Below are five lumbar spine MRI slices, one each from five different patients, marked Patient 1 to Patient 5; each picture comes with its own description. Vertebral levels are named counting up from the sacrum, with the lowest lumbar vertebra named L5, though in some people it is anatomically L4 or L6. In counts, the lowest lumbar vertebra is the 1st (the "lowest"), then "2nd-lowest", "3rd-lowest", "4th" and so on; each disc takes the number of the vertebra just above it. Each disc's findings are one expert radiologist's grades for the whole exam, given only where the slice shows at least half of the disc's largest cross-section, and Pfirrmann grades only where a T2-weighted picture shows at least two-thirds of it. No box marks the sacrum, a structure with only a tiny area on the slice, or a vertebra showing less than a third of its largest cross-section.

Patient 1 of 5:
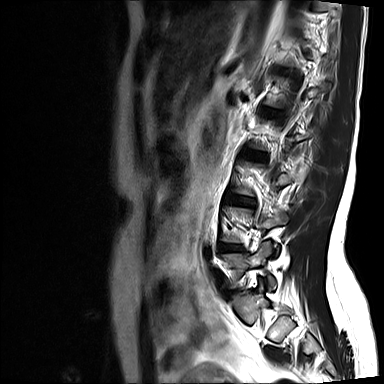 Sagittal T2-weighted lumbar spine MRI. Image 384x384.
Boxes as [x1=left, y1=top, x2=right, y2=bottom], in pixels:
Annotations:
* disc L3/L4: [x1=229, y1=196, x2=251, y2=202]
* L5: [x1=222, y1=241, x2=276, y2=286]
* L4/L5: [x1=218, y1=243, x2=241, y2=249]

Patient 2 of 5:
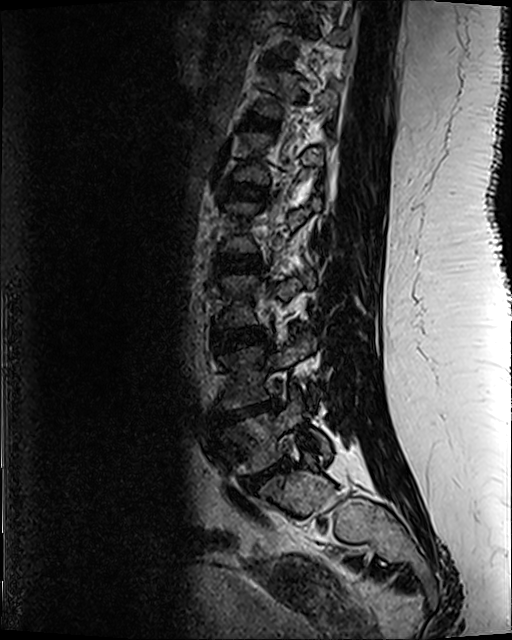

T2 SPACE (3D) sagittal MRI of the lumbar spine
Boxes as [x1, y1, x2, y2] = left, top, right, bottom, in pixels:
Annotations:
- intervertebral disc L5/S1 (lowest disc): [245, 462, 292, 487]
- L5 (lowest vertebra): [221, 390, 330, 472]
- L2/L3 (4th disc): [216, 256, 258, 273]
- intervertebral disc L1/L2 (5th disc): [221, 184, 265, 199]
- intervertebral disc L4/L5 (2nd-lowest disc): [219, 404, 278, 421]
- L4 (2nd-lowest vertebra): [222, 333, 316, 407]
- L3 (3rd-lowest vertebra): [221, 276, 314, 325]
- intervertebral disc L3/L4 (3rd-lowest disc): [213, 328, 265, 350]

Per-level radiological findings:
  L5/S1 (lowest disc): upper-endplate change, disc herniation, lower-endplate change, disc narrowing, Modic type II
  L1/L2 (5th disc): Pfirrmann grade 3, lower-endplate change
  L3/L4 (3rd-lowest disc): Pfirrmann grade 3
  L2/L3 (4th disc): Pfirrmann grade 3, lower-endplate change, upper-endplate change

Patient 3 of 5:
Slice spacing 3.3 mm | Slice 23 of 28 | T2-weighted sagittal MRI of the lumbar spine

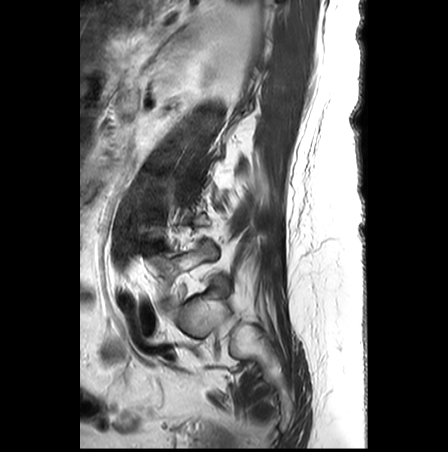
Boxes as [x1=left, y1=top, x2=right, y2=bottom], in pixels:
IVD L4/L5 at [x1=150, y1=242, x2=164, y2=249] | L5 vertebra at [x1=148, y1=241, x2=215, y2=298]

Patient 4 of 5:
Sex F, MRI lumbar spine (T1-weighted), sagittal plane 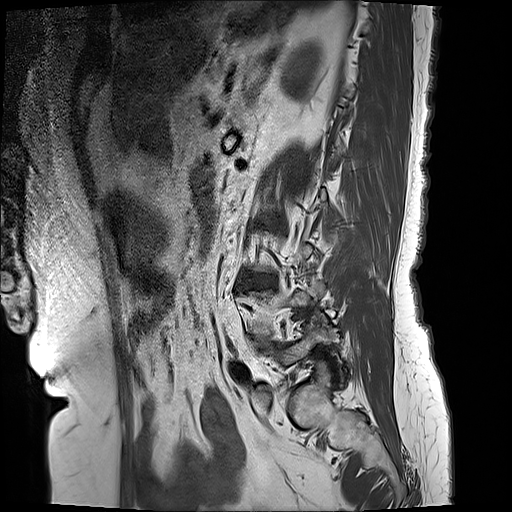
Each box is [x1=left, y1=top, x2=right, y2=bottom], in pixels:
Structures:
- IVD L3/L4 — [x1=240, y1=274, x2=276, y2=286]
- IVD L2/L3 — [x1=263, y1=219, x2=277, y2=226]
- L4/L5 — [x1=255, y1=338, x2=267, y2=344]

Expert MSK radiologist gradings (per disc):
• L3/L4: lower-endplate change, disc narrowing, disc bulging, upper-endplate change, Modic type II

Patient 5 of 5:
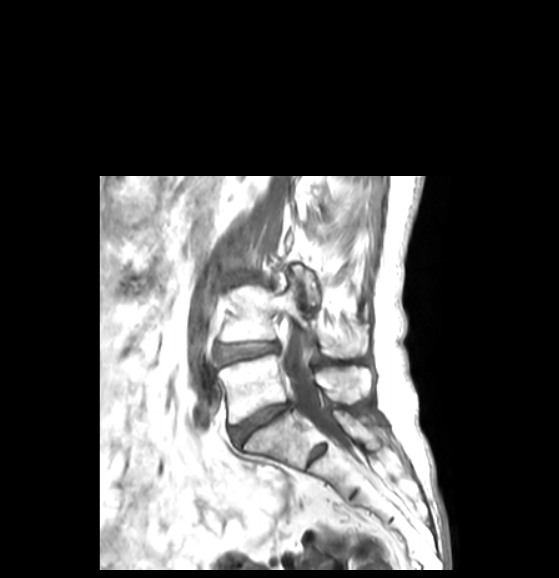
T1-weighted sagittal MRI of the lumbar spine. Sex F. Slice 19/50.
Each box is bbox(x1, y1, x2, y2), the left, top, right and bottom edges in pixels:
Structures:
- lowest disc = bbox(232, 403, 289, 440)
- 2nd-lowest disc = bbox(217, 342, 277, 364)
- spinal canal = bbox(282, 328, 335, 434)
- 2nd-lowest vertebra = bbox(221, 270, 366, 358)
- lowest vertebra = bbox(218, 355, 371, 424)

Per-level radiological findings:
• lowest disc: disc bulging, disc narrowing
• 2nd-lowest disc: disc bulging